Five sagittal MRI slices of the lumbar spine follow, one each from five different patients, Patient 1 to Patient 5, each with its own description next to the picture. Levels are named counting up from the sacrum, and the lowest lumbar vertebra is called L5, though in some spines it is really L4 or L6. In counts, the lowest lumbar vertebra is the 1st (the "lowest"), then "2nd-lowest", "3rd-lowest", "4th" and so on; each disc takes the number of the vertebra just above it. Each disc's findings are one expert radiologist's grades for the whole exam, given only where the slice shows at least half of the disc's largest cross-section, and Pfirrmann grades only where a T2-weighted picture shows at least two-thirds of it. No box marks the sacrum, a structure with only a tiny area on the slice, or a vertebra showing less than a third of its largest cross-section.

Patient 1 of 5:
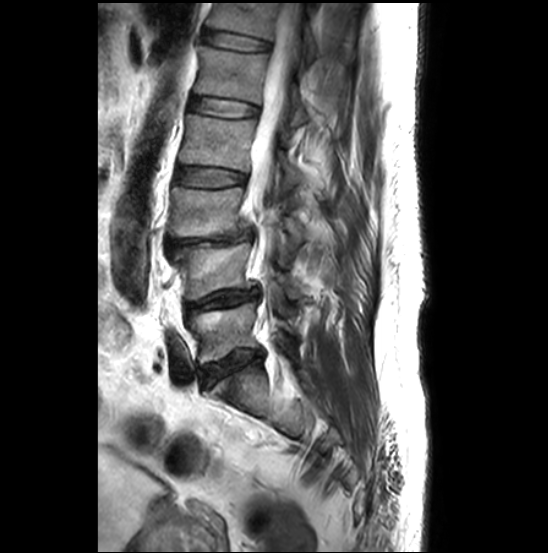
Slice 17 of 27. T2-weighted sagittal MRI of the lumbar spine. Slice spacing 3.3 mm.

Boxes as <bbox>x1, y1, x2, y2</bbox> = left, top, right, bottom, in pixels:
L2 vertebra = <bbox>179, 114, 325, 196</bbox>.
L5 = <bbox>189, 302, 298, 363</bbox>.
Spinal canal = <bbox>247, 3, 301, 322</bbox>.
IVD L5/S1 = <bbox>202, 350, 262, 386</bbox>.
L4 = <bbox>171, 242, 304, 300</bbox>.
L3 vertebra = <bbox>168, 185, 311, 242</bbox>.
IVD L1/L2 = <bbox>190, 97, 257, 116</bbox>.
L4/L5 = <bbox>186, 288, 259, 310</bbox>.
L3/L4 = <bbox>166, 228, 252, 253</bbox>.
T12 vertebra = <bbox>207, 3, 317, 65</bbox>.
IVD L2/L3 = <bbox>176, 167, 246, 187</bbox>.
IVD T12/L1 = <bbox>202, 30, 271, 49</bbox>.
L1 vertebra = <bbox>195, 46, 309, 125</bbox>.

Radiological gradings:
- T12/L1: Pfirrmann grade 2
- L1/L2: Pfirrmann grade 2
- L2/L3: Pfirrmann grade 2
- L4/L5: Pfirrmann grade 3, lower-endplate change, disc bulging, Modic type II, upper-endplate change, disc narrowing
- L5/S1: Pfirrmann grade 3, disc narrowing, lower-endplate change, disc bulging, Modic type II, upper-endplate change
- L3/L4: Pfirrmann grade 5, Modic type II, upper-endplate change, spondylolisthesis, disc narrowing, disc herniation, lower-endplate change

Patient 2 of 5:
Lumbar spine MR, T1-weighted, sagittal, Image 427x424, Scanner: Philips Healthcare Ingenia (3T), Patient sex: M 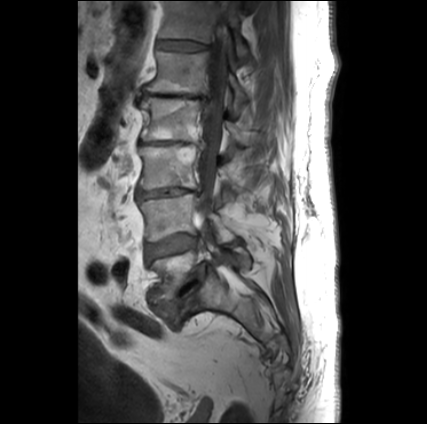

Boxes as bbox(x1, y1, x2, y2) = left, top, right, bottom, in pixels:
- L3/L4: bbox(136, 188, 201, 198)
- L5: bbox(147, 240, 250, 302)
- L3 vertebra: bbox(139, 144, 236, 197)
- L2: bbox(139, 97, 245, 145)
- L4/L5: bbox(145, 235, 196, 259)
- T12/L1: bbox(157, 41, 206, 50)
- L4 vertebra: bbox(139, 194, 233, 241)
- T12: bbox(159, 1, 248, 57)
- L1 vertebra: bbox(144, 51, 248, 102)
- spinal canal: bbox(199, 1, 229, 219)
- IVD L5/S1: bbox(156, 262, 207, 316)
- IVD L2/L3: bbox(149, 142, 193, 144)
- L1/L2: bbox(142, 91, 205, 99)

Degenerative findings by level:
• L5/S1: Modic type II, disc narrowing, disc bulging, upper-endplate change, spondylolisthesis, lower-endplate change
• L4/L5: Modic type II
• L1/L2: disc bulging, disc herniation, disc narrowing, upper-endplate change, Modic type II, lower-endplate change
• L3/L4: disc bulging, upper-endplate change, Modic type II, lower-endplate change, disc narrowing
• T12/L1: no Modic or endplate change, herniation, narrowing, bulging or spondylolisthesis recorded

Patient 3 of 5:
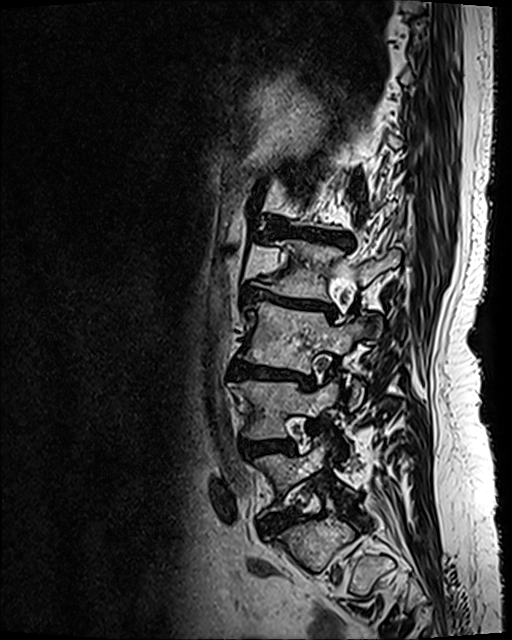 Patient sex: F; Sagittal T2 SPACE (3D) lumbar spine MRI; Slice 83 of 120
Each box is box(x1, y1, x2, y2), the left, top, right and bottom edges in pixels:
Segmented structures:
* 4th vertebra — box(256, 239, 400, 299)
* 3rd-lowest disc — box(228, 361, 314, 388)
* 2nd-lowest disc — box(240, 436, 295, 458)
* lowest disc — box(261, 509, 298, 534)
* 4th disc — box(242, 287, 334, 314)
* 3rd-lowest vertebra — box(240, 302, 369, 408)
* 2nd-lowest vertebra — box(229, 381, 338, 439)
* 5th disc — box(269, 223, 352, 246)
* lowest vertebra — box(255, 436, 349, 513)

Expert MSK radiologist gradings (per disc):
- 3rd-lowest disc: Pfirrmann grade 5, lower-endplate change, Modic type II, disc narrowing, upper-endplate change, disc bulging
- 5th disc: Pfirrmann grade 5, disc narrowing, disc bulging, upper-endplate change, Modic type II, lower-endplate change
- 2nd-lowest disc: lower-endplate change, upper-endplate change, disc bulging
- 4th disc: Pfirrmann grade 5, Modic type II, lower-endplate change, disc bulging, disc narrowing, upper-endplate change

Patient 4 of 5:
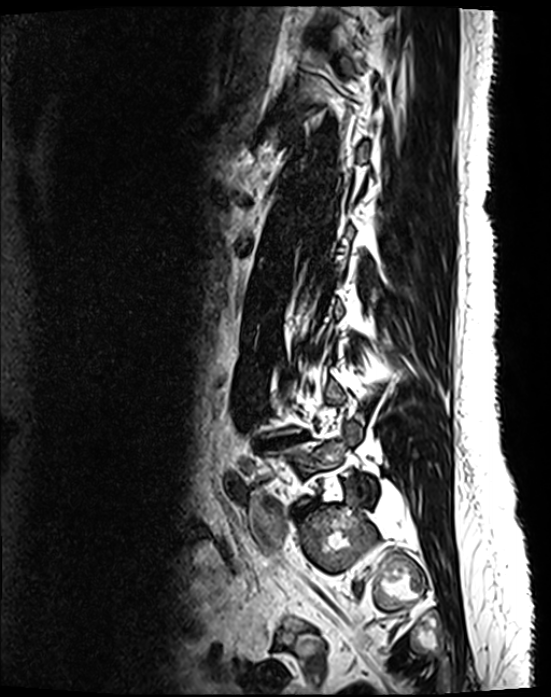 551x697 px, MRI lumbar spine (T2 SPACE (3D)), sagittal plane

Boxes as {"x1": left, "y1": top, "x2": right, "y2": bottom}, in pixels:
Lowest disc: {"x1": 295, "y1": 502, "x2": 315, "y2": 514}.
Lowest vertebra: {"x1": 264, "y1": 424, "x2": 376, "y2": 505}.
2nd-lowest disc: {"x1": 255, "y1": 433, "x2": 309, "y2": 447}.

Patient 5 of 5:
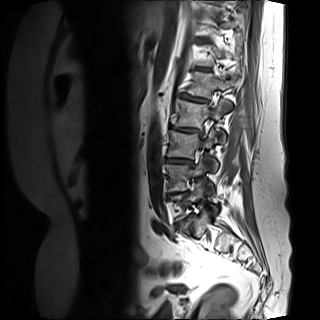
Sex F. MRI lumbar spine (T1-weighted), sagittal plane. 320x320 px. Sagittal slice index 2.
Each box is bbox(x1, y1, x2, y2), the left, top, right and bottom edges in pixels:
{"L1 (5th vertebra)": "bbox(185, 71, 241, 98)", "L4 (2nd-lowest vertebra)": "bbox(165, 158, 214, 193)", "L2 (4th vertebra)": "bbox(172, 98, 231, 142)", "disc L1/L2 (5th disc)": "bbox(181, 94, 208, 102)", "L3 (3rd-lowest vertebra)": "bbox(167, 128, 218, 171)", "L5 (lowest vertebra)": "bbox(171, 180, 217, 220)", "disc L3/L4 (3rd-lowest disc)": "bbox(165, 158, 192, 164)", "disc L2/L3 (4th disc)": "bbox(171, 125, 199, 132)"}

Radiological gradings:
  L3/L4 (3rd-lowest disc): lower-endplate change, upper-endplate change, Modic type II, disc narrowing, disc bulging
  L1/L2 (5th disc): lower-endplate change, disc narrowing, disc bulging, upper-endplate change, Modic type II
  L2/L3 (4th disc): disc narrowing, disc bulging, lower-endplate change, Modic type II, upper-endplate change